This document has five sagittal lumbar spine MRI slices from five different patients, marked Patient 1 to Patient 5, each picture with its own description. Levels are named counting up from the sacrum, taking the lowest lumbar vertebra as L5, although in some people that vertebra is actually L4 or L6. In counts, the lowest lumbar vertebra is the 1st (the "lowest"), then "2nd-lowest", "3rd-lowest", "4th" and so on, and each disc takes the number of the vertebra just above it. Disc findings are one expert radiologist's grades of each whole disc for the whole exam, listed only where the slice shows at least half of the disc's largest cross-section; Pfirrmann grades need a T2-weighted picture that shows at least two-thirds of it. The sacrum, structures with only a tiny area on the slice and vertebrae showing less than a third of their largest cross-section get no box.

Patient 1 of 5:
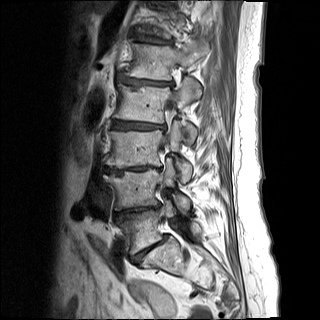

Slice 6 of 17; T1-weighted sagittal MRI of the lumbar spine

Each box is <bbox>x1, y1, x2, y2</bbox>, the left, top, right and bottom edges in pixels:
L1 = <bbox>124, 43, 206, 80</bbox>.
L4 vertebra = <bbox>105, 163, 189, 211</bbox>.
L3 = <bbox>106, 121, 191, 180</bbox>.
L5 = <bbox>121, 200, 200, 253</bbox>.
L5/S1 = <bbox>132, 235, 166, 263</bbox>.
L4/L5 = <bbox>117, 204, 159, 218</bbox>.
L3/L4 = <bbox>105, 166, 150, 174</bbox>.
Intervertebral disc T12/L1 = <bbox>136, 34, 170, 43</bbox>.
L2 = <bbox>113, 78, 200, 141</bbox>.
Intervertebral disc L1/L2 = <bbox>119, 75, 171, 85</bbox>.
L2/L3 = <bbox>112, 120, 164, 129</bbox>.

Expert MSK radiologist gradings (per disc):
  L1/L2: upper-endplate change, disc narrowing, lower-endplate change, Modic type II, disc bulging
  T12/L1: Modic type II, lower-endplate change, upper-endplate change, disc bulging
  L2/L3: disc narrowing, upper-endplate change, Modic type II, disc bulging, lower-endplate change
  L3/L4: disc narrowing, upper-endplate change, lower-endplate change, disc bulging, Modic type II
  L4/L5: disc narrowing, upper-endplate change, lower-endplate change, disc bulging, Modic type II

Patient 2 of 5:
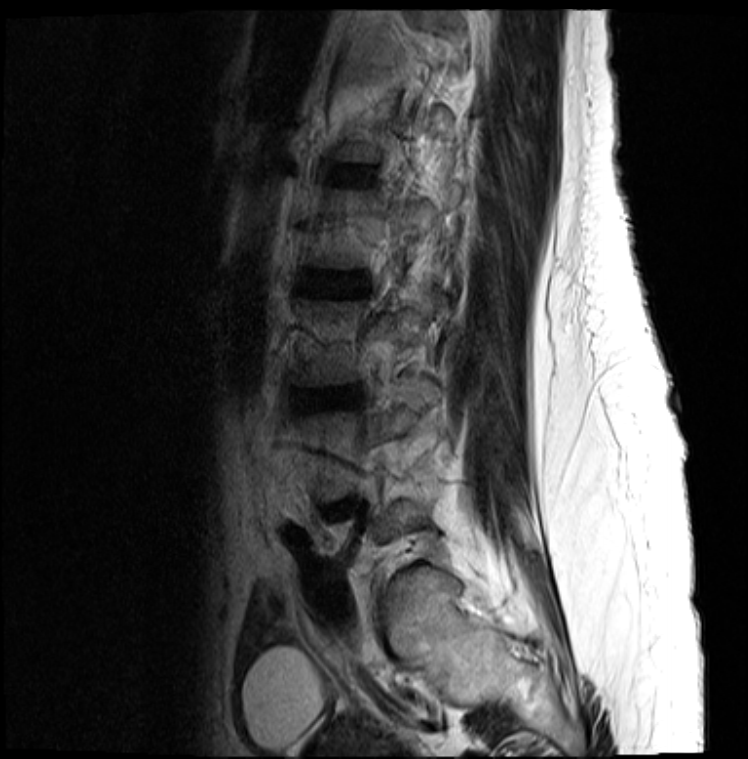

748x759 px. Field of view 260x264 mm, slice spacing 4.8 mm. Lumbar spine MR, T2-weighted, sagittal.

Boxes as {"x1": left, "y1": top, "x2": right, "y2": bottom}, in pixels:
L2/L3 (4th disc) at {"x1": 304, "y1": 274, "x2": 363, "y2": 293} | intervertebral disc L3/L4 (3rd-lowest disc) at {"x1": 294, "y1": 388, "x2": 360, "y2": 409} | L1/L2 (5th disc) at {"x1": 331, "y1": 167, "x2": 373, "y2": 182} | L3 (3rd-lowest vertebra) at {"x1": 294, "y1": 291, "x2": 443, "y2": 383}

Radiological gradings:
- L3/L4 (3rd-lowest disc): disc bulging

Patient 3 of 5:
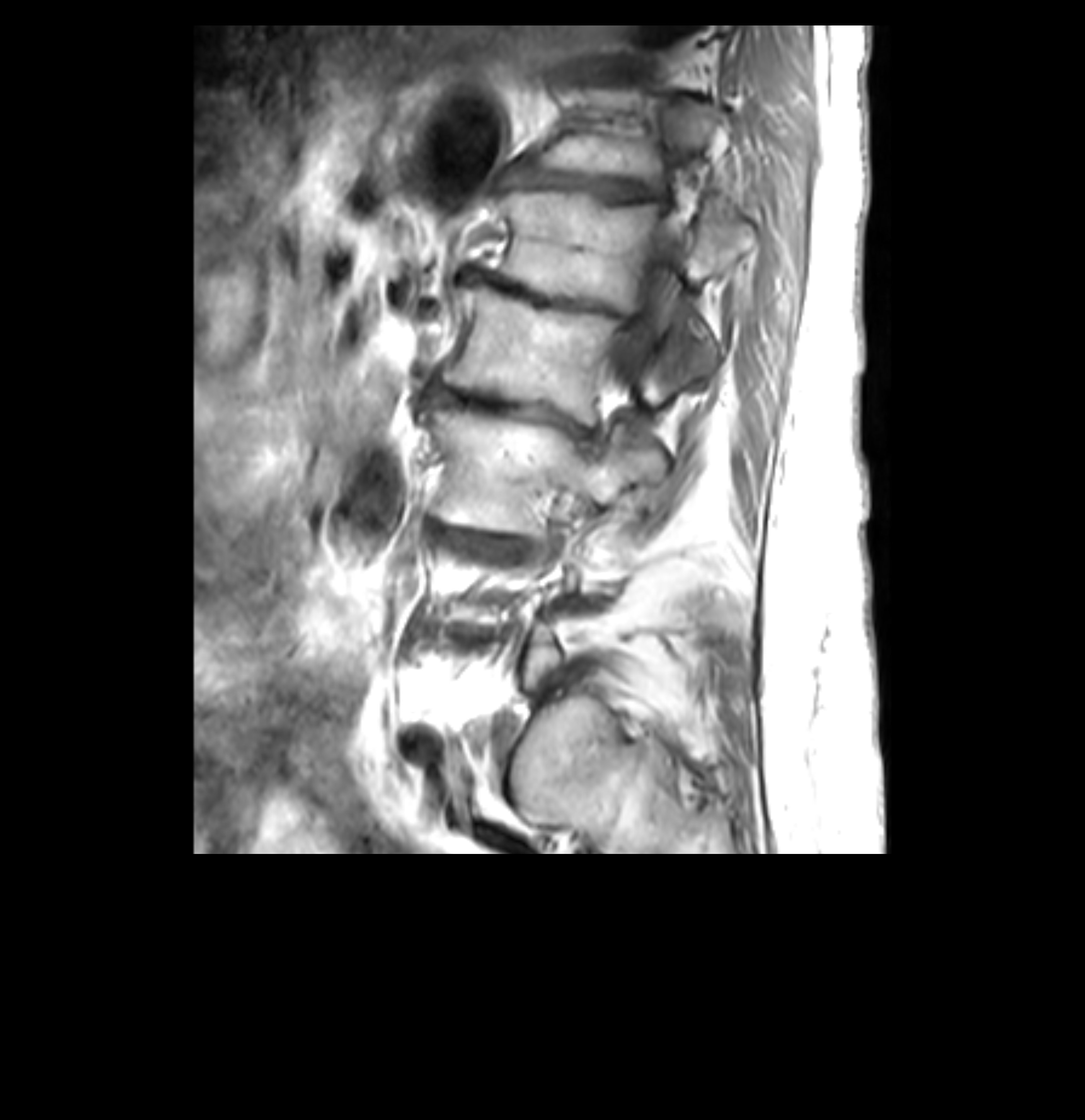 Field of view 280x289 mm. MRI lumbar spine (T1-weighted), sagittal plane.

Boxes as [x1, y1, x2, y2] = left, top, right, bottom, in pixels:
Structures:
• 5th disc — [463, 268, 620, 317]
• 7th disc — [598, 57, 654, 82]
• 3rd-lowest vertebra — [421, 395, 666, 536]
• 5th vertebra — [492, 190, 755, 378]
• 4th vertebra — [443, 288, 668, 427]
• 4th disc — [424, 376, 593, 440]
• 6th disc — [501, 161, 661, 203]
• thecal sac / spinal canal — [610, 211, 683, 397]
• 6th vertebra — [533, 90, 714, 192]

Degenerative findings by level:
• 6th disc: upper-endplate change, disc narrowing, disc bulging, lower-endplate change, Modic type II

Patient 4 of 5:
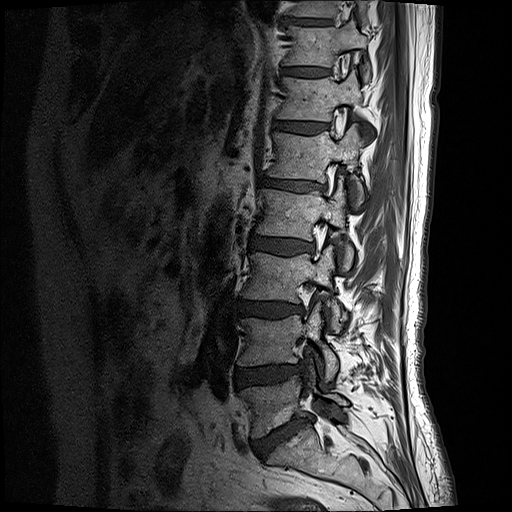 T1-weighted sagittal MRI of the lumbar spine; Field of view 300x300 mm

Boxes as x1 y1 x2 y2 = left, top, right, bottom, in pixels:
{"T10 (8th vertebra)": "292 0 364 20", "disc L1/L2 (5th disc)": "262 177 317 190", "T10/T11 (8th disc)": "281 16 331 24", "T12 (6th vertebra)": "277 71 362 122", "L2 (4th vertebra)": "257 184 354 268", "L5 (lowest vertebra)": "241 373 347 437", "L4 (2nd-lowest vertebra)": "239 304 337 380", "L3/L4 (3rd-lowest disc)": "237 299 303 318", "disc L2/L3 (4th disc)": "249 234 310 255", "disc T12/L1 (6th disc)": "274 122 326 134", "T11 (7th vertebra)": "284 22 368 80", "L1 (5th vertebra)": "268 125 363 197", "disc T11/T12 (7th disc)": "283 67 328 75", "disc L4/L5 (2nd-lowest disc)": "236 363 303 387", "L3 (3rd-lowest vertebra)": "242 245 344 330", "L5/S1 (lowest disc)": "252 417 310 458"}

Per-level radiological findings:
  L3/L4 (3rd-lowest disc): disc narrowing, Modic type II, disc bulging, lower-endplate change
  L4/L5 (2nd-lowest disc): disc bulging, disc herniation
  L2/L3 (4th disc): disc bulging
  L1/L2 (5th disc): disc bulging, disc narrowing, lower-endplate change, upper-endplate change, Modic type II
  L5/S1 (lowest disc): disc bulging, disc narrowing, Modic type II, lower-endplate change
  T11/T12 (7th disc), T12/L1 (6th disc): no herniation, bulging, narrowing, spondylolisthesis, endplate or Modic change recorded

Patient 5 of 5:
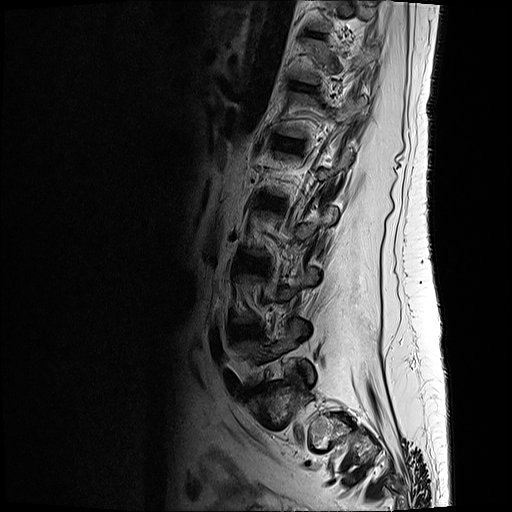
Sagittal slice index 2, Sagittal T2-weighted lumbar spine MRI, Image 512x512
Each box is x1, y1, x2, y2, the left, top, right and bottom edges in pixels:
* T12 (6th vertebra): 290, 38, 377, 83
* IVD L3/L4 (3rd-lowest disc): 236, 258, 265, 271
* IVD T11/T12 (7th disc): 304, 31, 325, 37
* IVD L1/L2 (5th disc): 275, 137, 303, 150
* L1 (5th vertebra): 278, 92, 366, 138
* IVD T12/L1 (6th disc): 291, 82, 313, 90
* IVD L2/L3 (4th disc): 257, 195, 284, 206
* L5 (lowest vertebra): 235, 319, 314, 385
* IVD L4/L5 (2nd-lowest disc): 230, 326, 262, 338